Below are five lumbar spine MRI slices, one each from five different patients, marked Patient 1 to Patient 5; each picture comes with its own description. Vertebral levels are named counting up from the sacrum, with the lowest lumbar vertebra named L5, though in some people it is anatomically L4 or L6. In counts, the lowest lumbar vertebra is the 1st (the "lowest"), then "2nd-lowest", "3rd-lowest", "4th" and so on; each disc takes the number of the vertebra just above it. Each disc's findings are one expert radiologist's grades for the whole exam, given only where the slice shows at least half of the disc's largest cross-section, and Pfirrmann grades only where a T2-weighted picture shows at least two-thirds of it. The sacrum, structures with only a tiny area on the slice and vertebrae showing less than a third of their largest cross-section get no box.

Patient 1 of 5:
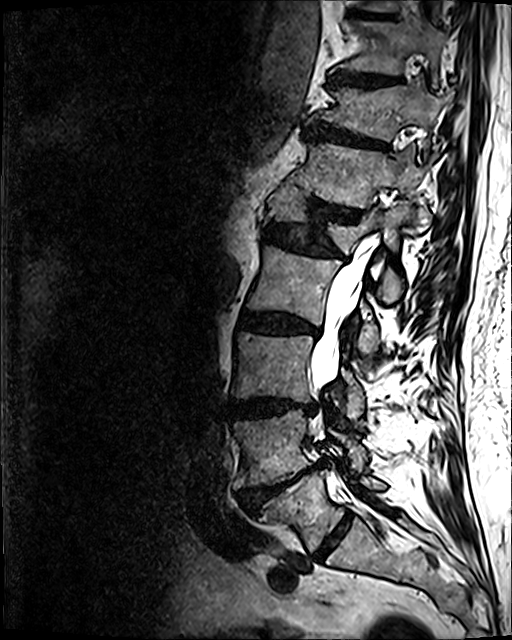 Sagittal slice index 50; Sagittal T2 SPACE (3D) lumbar spine MRI

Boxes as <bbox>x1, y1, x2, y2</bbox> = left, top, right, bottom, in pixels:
Segmented structures:
* intervertebral disc T11/T12 at <bbox>305, 124, 386, 149</bbox>
* L4 at <bbox>234, 409, 366, 486</bbox>
* T12 at <bbox>289, 139, 437, 230</bbox>
* thecal sac / spinal canal at <bbox>311, 242, 372, 388</bbox>
* intervertebral disc L3/L4 at <bbox>231, 398, 315, 419</bbox>
* T11 vertebra at <bbox>309, 86, 449, 140</bbox>
* L2 at <bbox>247, 245, 379, 356</bbox>
* L3 at <bbox>231, 331, 364, 424</bbox>
* L2/L3 at <bbox>239, 312, 318, 334</bbox>
* T12/L1 at <bbox>308, 198, 359, 220</bbox>
* L5 vertebra at <bbox>268, 465, 385, 551</bbox>
* intervertebral disc L4/L5 at <bbox>244, 464, 319, 512</bbox>
* L5/S1 at <bbox>314, 512, 352, 559</bbox>
* T10 at <bbox>342, 20, 447, 74</bbox>
* L1 vertebra at <bbox>265, 183, 432, 304</bbox>
* L1/L2 at <bbox>264, 224, 343, 257</bbox>
* intervertebral disc T10/T11 at <bbox>330, 73, 399, 86</bbox>
* T9/T10 at <bbox>363, 13, 376, 17</bbox>

Radiological gradings:
• L4/L5: Pfirrmann grade 5, lower-endplate change, Modic type II, disc narrowing, disc herniation, upper-endplate change, disc bulging
• L3/L4: Pfirrmann grade 4, lower-endplate change, disc bulging, upper-endplate change, disc narrowing
• T11/T12: Pfirrmann grade 4, upper-endplate change, disc bulging, disc narrowing, lower-endplate change
• T10/T11: Pfirrmann grade 4, lower-endplate change, disc bulging, upper-endplate change
• T12/L1: lower-endplate change, disc narrowing, disc bulging, upper-endplate change
• L2/L3: Pfirrmann grade 4, disc narrowing, upper-endplate change, Modic type II, lower-endplate change, disc bulging
• L1/L2: Pfirrmann grade 4, upper-endplate change, lower-endplate change, disc bulging, disc narrowing
• L5/S1: no Modic or endplate change, herniation, narrowing, bulging or spondylolisthesis recorded

Patient 2 of 5:
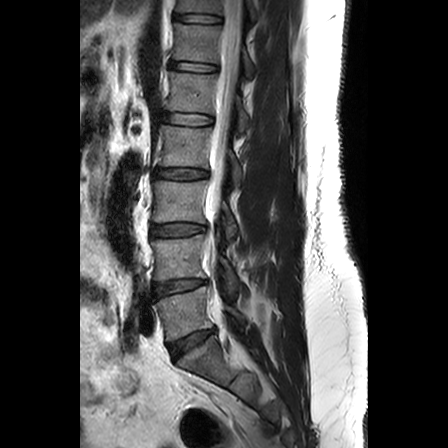 Sagittal slice index 9 | Sagittal T2-weighted lumbar spine MRI | Field of view 280x280 mm, slice spacing 3.3 mm

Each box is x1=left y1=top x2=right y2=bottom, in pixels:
Structures:
• T12 vertebra at x1=173 y1=23 x2=254 y2=77
• L5 at x1=152 y1=286 x2=244 y2=342
• intervertebral disc L1/L2 at x1=159 y1=112 x2=211 y2=125
• intervertebral disc L2/L3 at x1=152 y1=169 x2=207 y2=179
• L1 vertebra at x1=166 y1=72 x2=249 y2=132
• L3 vertebra at x1=152 y1=180 x2=236 y2=238
• L3/L4 at x1=151 y1=222 x2=204 y2=236
• L4 at x1=151 y1=234 x2=238 y2=292
• thecal sac / spinal canal at x1=205 y1=0 x2=242 y2=276
• T11 at x1=175 y1=0 x2=257 y2=20
• T11/T12 at x1=174 y1=14 x2=220 y2=22
• L2 vertebra at x1=157 y1=125 x2=243 y2=185
• intervertebral disc T12/L1 at x1=171 y1=61 x2=216 y2=71
• intervertebral disc L5/S1 at x1=169 y1=328 x2=215 y2=359
• L4/L5 at x1=152 y1=279 x2=204 y2=298

Expert MSK radiologist gradings (per disc):
  L4/L5: Pfirrmann grade 2
  T12/L1: Pfirrmann grade 1
  L2/L3: Pfirrmann grade 2, disc bulging
  L5/S1: Pfirrmann grade 3, disc bulging
  L3/L4: Pfirrmann grade 2
  T11/T12: Pfirrmann grade 1
  L1/L2: Pfirrmann grade 1

Patient 3 of 5:
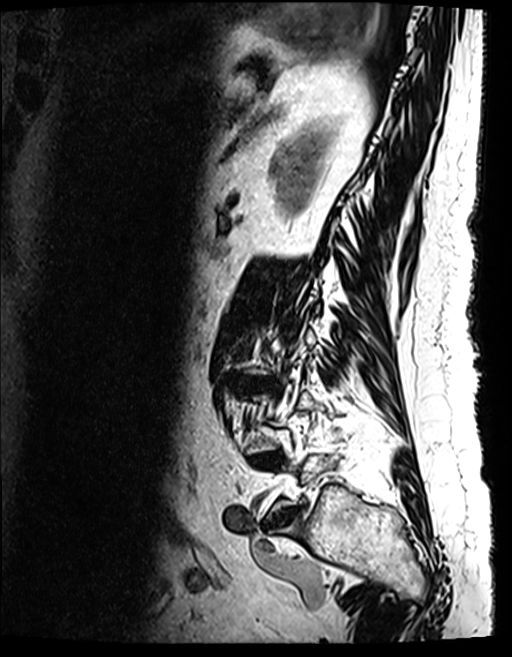 Sagittal T2 SPACE (3D) lumbar spine MRI, 512x657 px
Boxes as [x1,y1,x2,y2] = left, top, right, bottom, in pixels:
2nd-lowest disc = [253,454,277,464].
Lowest disc = [267,509,298,531].

Patient 4 of 5:
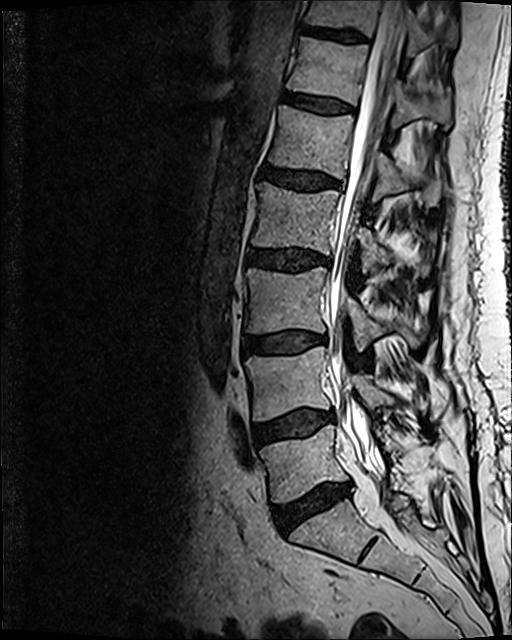 Patient sex: M. Slice 56/120. MRI lumbar spine (T2 SPACE (3D)), sagittal plane.
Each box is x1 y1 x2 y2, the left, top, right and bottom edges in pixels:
Structures:
• disc T11/T12: 302 24 366 43
• thecal sac / spinal canal: 320 0 441 494
• L4 vertebra: 245 349 395 421
• disc L2/L3: 247 248 328 270
• disc T12/L1: 286 94 353 113
• L3 vertebra: 245 266 425 350
• disc L3/L4: 244 331 321 354
• L2 vertebra: 253 182 431 277
• L1: 269 105 441 207
• T11 vertebra: 304 0 457 56
• L5/S1: 274 483 350 531
• L5 vertebra: 260 424 432 502
• L1/L2: 256 163 340 190
• T12: 287 37 451 128
• L4/L5: 254 410 332 444

Radiological gradings:
  L3/L4: Pfirrmann grade 2, disc bulging, Modic type II
  L2/L3: Pfirrmann grade 3, disc bulging
  T11/T12: Pfirrmann grade 3
  L4/L5: Pfirrmann grade 2, Modic type II, disc bulging
  L5/S1: Pfirrmann grade 3, disc narrowing, Modic type II, disc bulging
  L1/L2: Pfirrmann grade 3, disc bulging
  T12/L1: Pfirrmann grade 2

Patient 5 of 5:
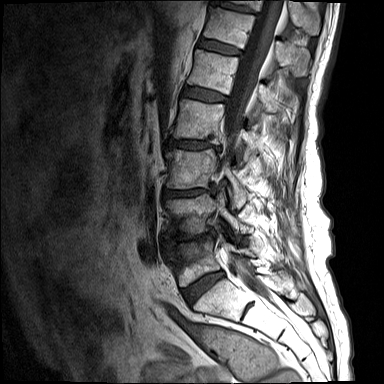 Image 384x384; T1-weighted sagittal MRI of the lumbar spine; Sex M; Slice 6/15

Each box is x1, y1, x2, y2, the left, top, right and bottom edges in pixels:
L4 at 166, 191, 253, 234; IVD T11/T12 at 211, 1, 255, 13; IVD L3/L4 at 164, 189, 215, 196; IVD L2/L3 at 167, 139, 220, 152; L1 vertebra at 187, 49, 273, 116; T11 vertebra at 231, 0, 319, 34; L3 at 166, 149, 247, 209; T12 at 203, 6, 308, 75; thecal sac / spinal canal at 222, 0, 283, 289; L2 at 173, 99, 258, 162; L5/S1 at 183, 271, 223, 304; L5 at 168, 238, 255, 286; L1/L2 at 182, 86, 227, 102; L4/L5 at 173, 232, 212, 244; IVD T12/L1 at 198, 37, 242, 56.

Degenerative findings by level:
• L5/S1: Modic type II, disc bulging
• L3/L4: disc bulging, disc narrowing, Modic type II, disc herniation, upper-endplate change, lower-endplate change
• L2/L3: lower-endplate change, Modic type II, disc bulging, upper-endplate change, disc narrowing
• T11/T12: upper-endplate change, lower-endplate change
• L4/L5: Modic type I, disc bulging, disc narrowing, lower-endplate change, upper-endplate change
• L1/L2, T12/L1: no herniation, bulging, narrowing, spondylolisthesis, endplate or Modic change recorded